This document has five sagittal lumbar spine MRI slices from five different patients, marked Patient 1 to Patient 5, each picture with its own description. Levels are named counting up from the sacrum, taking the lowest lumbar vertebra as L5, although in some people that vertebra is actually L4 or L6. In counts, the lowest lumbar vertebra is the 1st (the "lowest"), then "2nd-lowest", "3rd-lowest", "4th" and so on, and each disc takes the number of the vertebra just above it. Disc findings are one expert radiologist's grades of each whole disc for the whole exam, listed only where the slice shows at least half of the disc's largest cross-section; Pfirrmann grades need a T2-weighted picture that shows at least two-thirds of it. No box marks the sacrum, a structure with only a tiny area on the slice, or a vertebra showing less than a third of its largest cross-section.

Patient 1 of 5:
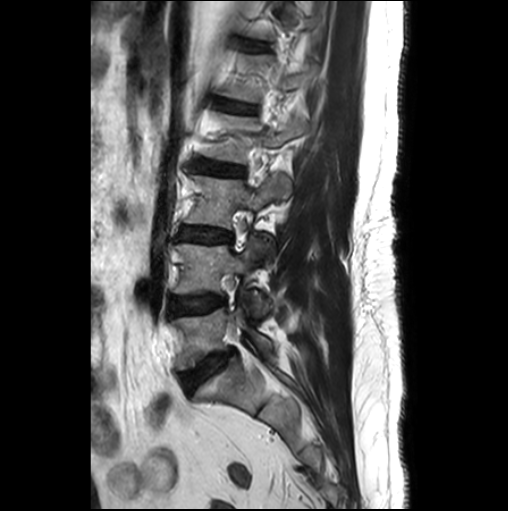

Lumbar spine MR, T2-weighted, sagittal; Sagittal slice index 8; Field of view 280x281 mm

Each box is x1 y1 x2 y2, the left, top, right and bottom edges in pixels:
Structures:
- L5 vertebra: 172 307 272 370
- L4 vertebra: 175 239 269 314
- intervertebral disc L5/S1: 182 350 234 393
- L1/L2: 219 101 255 112
- L3 vertebra: 185 174 292 228
- L2: 204 113 309 164
- intervertebral disc L4/L5: 170 296 224 314
- L2/L3: 195 160 243 176
- L3/L4: 178 227 230 242
- intervertebral disc T12/L1: 244 42 266 50

Degenerative findings by level:
• L5/S1: Pfirrmann grade 3, disc bulging, Modic type II
• L3/L4: Pfirrmann grade 2
• L4/L5: Modic type II
• L2/L3: no spondylolisthesis, narrowing, bulging, herniation, Modic or endplate change recorded

Patient 2 of 5:
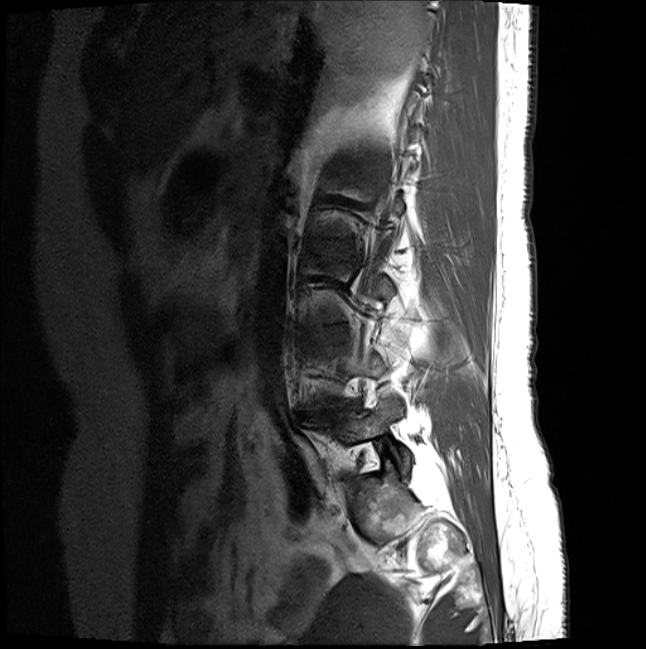
Patient sex: F; Field of view 300x302 mm, slice spacing 3.3 mm; Sagittal slice index 3; MRI lumbar spine (T1-weighted), sagittal plane

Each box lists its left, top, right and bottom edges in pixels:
3rd-lowest disc = left=306, top=325, right=347, bottom=343.
2nd-lowest disc = left=303, top=401, right=360, bottom=417.
Lowest vertebra = left=305, top=397, right=410, bottom=472.
4th disc = left=329, top=243, right=341, bottom=255.

Degenerative findings by level:
• 2nd-lowest disc: disc bulging, upper-endplate change, lower-endplate change, disc narrowing, Modic type II

Patient 3 of 5:
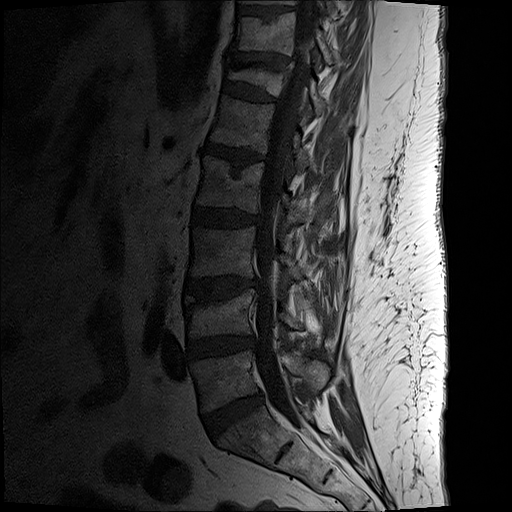 Sagittal T1-weighted lumbar spine MRI | Slice 8 of 19 | Field of view 300x300 mm
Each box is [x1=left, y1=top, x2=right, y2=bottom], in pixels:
{"L2": "[x1=197, y1=158, x2=303, y2=226]", "T11 vertebra": "[x1=233, y1=13, x2=332, y2=64]", "T12/L1": "[x1=222, y1=83, x2=277, y2=103]", "L4": "[x1=184, y1=291, x2=322, y2=347]", "disc L5/S1": "[x1=204, y1=391, x2=264, y2=437]", "disc L4/L5": "[x1=188, y1=337, x2=249, y2=357]", "disc T10/T11": "[x1=239, y1=8, x2=291, y2=16]", "disc L2/L3": "[x1=193, y1=208, x2=257, y2=228]", "L3 vertebra": "[x1=190, y1=226, x2=325, y2=293]", "spinal canal": "[x1=254, y1=1, x2=316, y2=429]", "disc L1/L2": "[x1=205, y1=144, x2=254, y2=169]", "L3/L4": "[x1=186, y1=278, x2=257, y2=299]", "L1": "[x1=210, y1=97, x2=308, y2=172]", "T12": "[x1=229, y1=68, x2=325, y2=114]", "L5": "[x1=191, y1=351, x2=329, y2=411]", "T11/T12": "[x1=232, y1=55, x2=289, y2=70]"}

Degenerative findings by level:
• L4/L5: disc bulging, disc narrowing
• L1/L2: Modic type II, upper-endplate change, lower-endplate change, disc narrowing, disc bulging
• L2/L3: lower-endplate change, disc bulging
• T12/L1: lower-endplate change, upper-endplate change, spondylolisthesis, disc bulging
• L3/L4: lower-endplate change, upper-endplate change, disc bulging, Modic type II
• L5/S1: disc bulging
• T11/T12: disc bulging, disc narrowing, upper-endplate change, lower-endplate change

Patient 4 of 5:
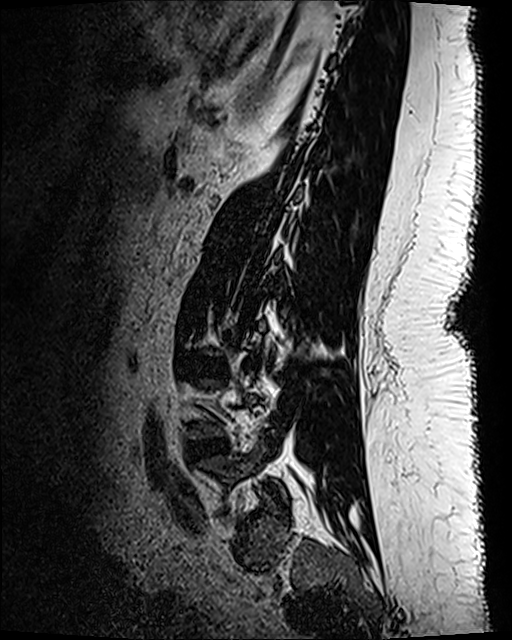 Field of view 240x300 mm | Sagittal T2 SPACE (3D) lumbar spine MRI | 512x640 px
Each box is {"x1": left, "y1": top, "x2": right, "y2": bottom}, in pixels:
lowest vertebra = {"x1": 200, "y1": 446, "x2": 286, "y2": 497} | 2nd-lowest disc = {"x1": 189, "y1": 439, "x2": 228, "y2": 458} | 3rd-lowest disc = {"x1": 190, "y1": 356, "x2": 228, "y2": 377}

Patient 5 of 5:
Sagittal T2 SPACE (3D) lumbar spine MRI; Image 512x640; Patient sex: F

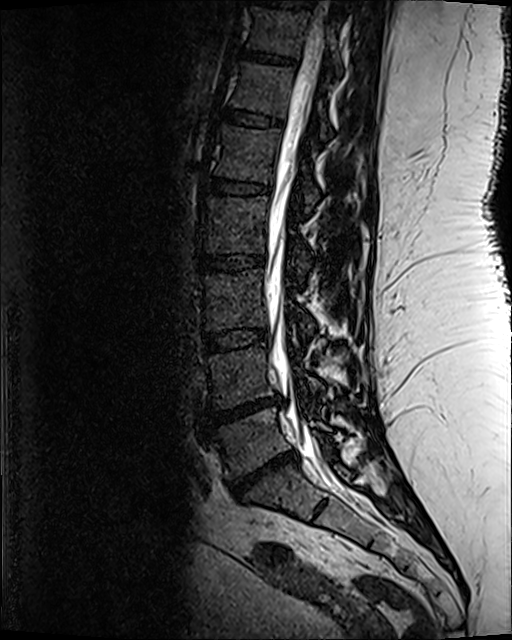
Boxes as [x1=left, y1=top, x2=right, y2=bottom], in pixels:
L5/S1: [x1=227, y1=454, x2=296, y2=498].
L2: [x1=199, y1=197, x2=311, y2=273].
L3/L4: [x1=204, y1=329, x2=267, y2=351].
Intervertebral disc L4/L5: [x1=212, y1=401, x2=272, y2=423].
L3: [x1=201, y1=270, x2=314, y2=332].
L4 vertebra: [x1=209, y1=345, x2=320, y2=407].
L1 vertebra: [x1=213, y1=125, x2=318, y2=210].
T11: [x1=247, y1=8, x2=342, y2=75].
Intervertebral disc T12/L1: [x1=221, y1=109, x2=281, y2=126].
L5: [x1=207, y1=408, x2=332, y2=476].
T10/T11: [x1=261, y1=0, x2=311, y2=7].
T12 vertebra: [x1=231, y1=63, x2=331, y2=137].
L1/L2: [x1=205, y1=177, x2=269, y2=194].
T11/T12: [x1=241, y1=51, x2=292, y2=63].
Intervertebral disc L2/L3: [x1=199, y1=255, x2=263, y2=271].
Spinal canal: [x1=265, y1=1, x2=362, y2=501].

Radiological gradings:
• T11/T12: Pfirrmann grade 3, lower-endplate change
• L2/L3: Pfirrmann grade 3, upper-endplate change, lower-endplate change
• L3/L4: Pfirrmann grade 3
• T12/L1: Pfirrmann grade 3
• L1/L2: Pfirrmann grade 3, lower-endplate change
• L5/S1: Pfirrmann grade 5, disc herniation, disc narrowing, lower-endplate change, Modic type II, upper-endplate change